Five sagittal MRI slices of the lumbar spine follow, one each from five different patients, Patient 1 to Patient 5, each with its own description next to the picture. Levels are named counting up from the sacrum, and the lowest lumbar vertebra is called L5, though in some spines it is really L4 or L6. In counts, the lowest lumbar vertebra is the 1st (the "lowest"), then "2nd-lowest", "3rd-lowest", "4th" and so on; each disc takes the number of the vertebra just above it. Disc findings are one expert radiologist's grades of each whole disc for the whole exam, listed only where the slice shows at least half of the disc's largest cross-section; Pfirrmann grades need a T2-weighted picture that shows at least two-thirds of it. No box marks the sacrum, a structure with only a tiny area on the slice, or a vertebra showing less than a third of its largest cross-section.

Patient 1 of 5:
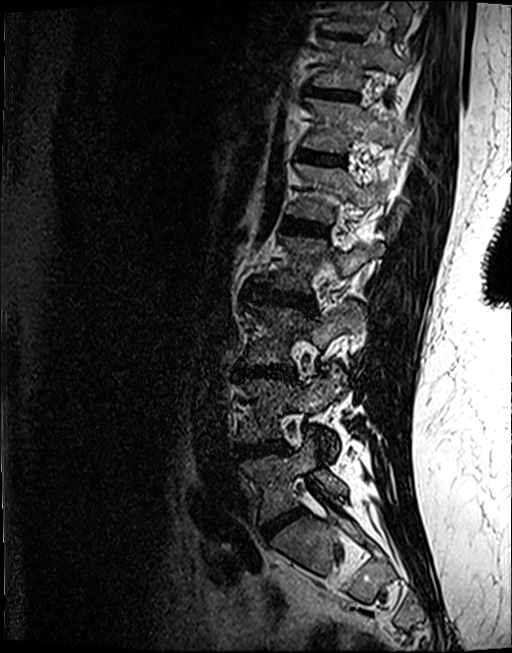 Patient sex: F; MRI lumbar spine (T2 SPACE (3D)), sagittal plane; Field of view 240x301 mm; 512x653 px; Slice 42/122
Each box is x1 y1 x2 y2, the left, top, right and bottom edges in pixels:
Disc T11/T12 (7th disc) = 312 88 356 98.
L4 (2nd-lowest vertebra) = 239 370 347 452.
L4/L5 (2nd-lowest disc) = 237 440 285 457.
L3/L4 (3rd-lowest disc) = 238 365 294 377.
T10 (8th vertebra) = 323 0 412 31.
L5 (lowest vertebra) = 242 433 346 520.
L1 (5th vertebra) = 288 164 384 221.
Disc T10/T11 (8th disc) = 325 31 358 38.
Disc L2/L3 (4th disc) = 249 284 312 308.
T11 (7th vertebra) = 315 40 411 88.
Disc L5/S1 (lowest disc) = 263 508 303 538.
T12/L1 (6th disc) = 301 150 342 163.
Disc L1/L2 (5th disc) = 285 218 326 234.
T12 (6th vertebra) = 303 98 392 152.
L3 (3rd-lowest vertebra) = 246 301 366 364.

Expert MSK radiologist gradings (per disc):
- L3/L4 (3rd-lowest disc): disc narrowing, upper-endplate change, lower-endplate change, Modic type II, disc bulging
- L2/L3 (4th disc): Pfirrmann grade 4, disc bulging, upper-endplate change, lower-endplate change

Patient 2 of 5:
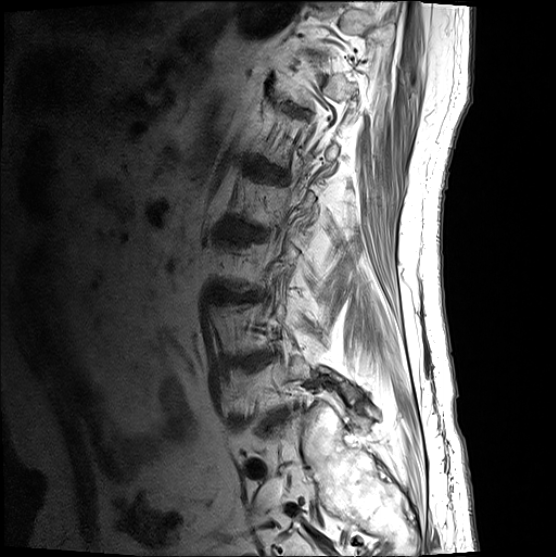

T1-weighted sagittal MRI of the lumbar spine. Sex M. Image 556x557.
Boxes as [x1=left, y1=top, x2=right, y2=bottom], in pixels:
L3/L4: [x1=224, y1=295, x2=253, y2=303].
L4/L5: [x1=250, y1=356, x2=264, y2=366].
T12/L1: [x1=293, y1=111, x2=306, y2=119].

Patient 3 of 5:
Sex F; Slice 7 of 24; Sagittal T2-weighted lumbar spine MRI
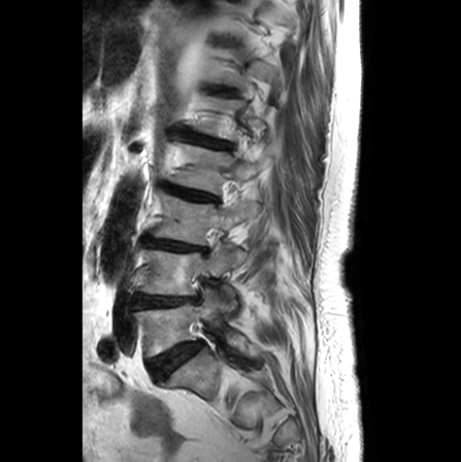
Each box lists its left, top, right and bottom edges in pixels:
Structures:
- 3rd-lowest disc — left=144, top=237, right=206, bottom=252
- 2nd-lowest vertebra — left=140, top=246, right=246, bottom=313
- 5th disc — left=187, top=134, right=231, bottom=148
- lowest vertebra — left=134, top=288, right=244, bottom=357
- 3rd-lowest vertebra — left=151, top=189, right=258, bottom=245
- 2nd-lowest disc — left=132, top=294, right=198, bottom=308
- 4th vertebra — left=170, top=143, right=271, bottom=193
- lowest disc — left=149, top=342, right=203, bottom=378
- 4th disc — left=164, top=184, right=217, bottom=201

Degenerative findings by level:
- 2nd-lowest disc: Pfirrmann grade 2, Modic type II, disc narrowing
- 4th disc: Pfirrmann grade 3, disc narrowing, lower-endplate change, upper-endplate change
- 5th disc: Pfirrmann grade 3, lower-endplate change, disc narrowing, upper-endplate change, disc bulging
- 3rd-lowest disc: Pfirrmann grade 5, Modic type II, upper-endplate change, disc narrowing, lower-endplate change
- lowest disc: Pfirrmann grade 3, Modic type II

Patient 4 of 5:
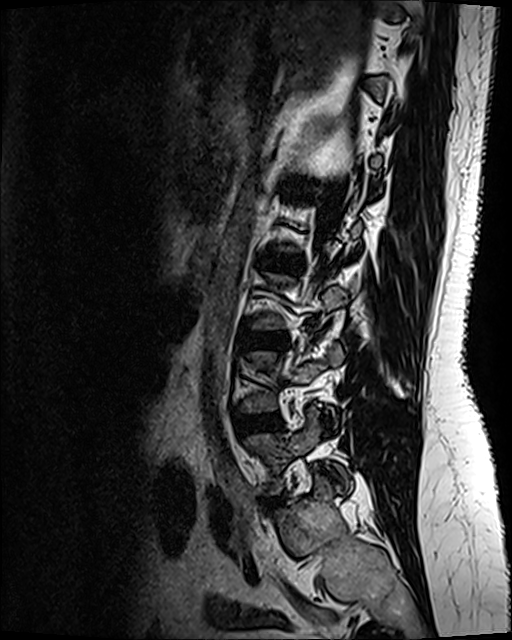 MRI lumbar spine (T2 SPACE (3D)), sagittal plane; Slice 86 of 120; Field of view 240x300 mm

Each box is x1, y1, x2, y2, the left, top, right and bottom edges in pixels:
IVD L2/L3 (4th disc) at 258, 254, 299, 272; IVD L4/L5 (2nd-lowest disc) at 237, 414, 281, 431; L3/L4 (3rd-lowest disc) at 241, 333, 283, 348; L5 (lowest vertebra) at 249, 408, 350, 493.

Degenerative findings by level:
  L2/L3 (4th disc): disc bulging, upper-endplate change, lower-endplate change

Patient 5 of 5:
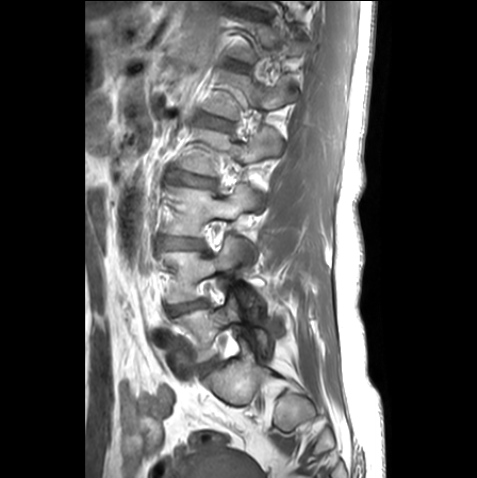 Image 477x478, Patient sex: F, MRI lumbar spine (T1-weighted), sagittal plane, Slice spacing 3.3 mm
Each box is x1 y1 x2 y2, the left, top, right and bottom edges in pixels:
Annotations:
- T12/L1 at 226 59 248 71
- L5/S1 at 200 358 217 375
- L1 at 204 69 290 119
- T11/T12 at 248 8 265 18
- intervertebral disc L4/L5 at 168 300 207 315
- L3/L4 at 160 238 203 248
- L5 at 175 296 270 361
- L3 vertebra at 163 183 257 236
- intervertebral disc L2/L3 at 177 174 216 188
- L4 vertebra at 164 236 257 307
- intervertebral disc L1/L2 at 198 114 231 129
- L2 vertebra at 179 128 281 175

Expert MSK radiologist gradings (per disc):
- L1/L2: upper-endplate change, lower-endplate change
- L2/L3: disc bulging, lower-endplate change, upper-endplate change
- L3/L4: disc narrowing, disc bulging